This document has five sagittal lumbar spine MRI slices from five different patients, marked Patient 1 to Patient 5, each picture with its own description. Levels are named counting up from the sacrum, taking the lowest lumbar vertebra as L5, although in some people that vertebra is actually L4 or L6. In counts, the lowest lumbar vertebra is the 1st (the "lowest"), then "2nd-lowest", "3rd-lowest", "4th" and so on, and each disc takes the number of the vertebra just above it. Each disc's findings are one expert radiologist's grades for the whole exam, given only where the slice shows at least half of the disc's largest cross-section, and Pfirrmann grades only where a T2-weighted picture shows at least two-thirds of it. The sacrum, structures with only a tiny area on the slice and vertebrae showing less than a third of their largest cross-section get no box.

Patient 1 of 5:
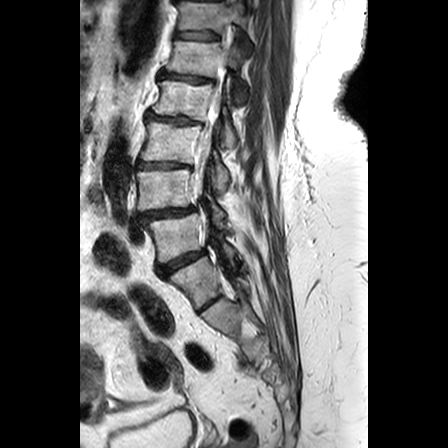

Sagittal T2-weighted lumbar spine MRI
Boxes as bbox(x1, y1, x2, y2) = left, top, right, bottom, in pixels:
L2/L3 = bbox(147, 112, 202, 124).
L2 = bbox(152, 80, 236, 147).
IVD L5/S1 = bbox(157, 250, 206, 277).
L4/L5 = bbox(138, 208, 193, 222).
T12/L1 = bbox(175, 32, 219, 40).
L3 = bbox(141, 121, 229, 190).
L4 = bbox(137, 169, 224, 222).
IVD L3/L4 = bbox(138, 162, 192, 169).
IVD L1/L2 = bbox(159, 69, 215, 83).
T12 vertebra = bbox(178, 0, 247, 32).
L5 vertebra = bbox(148, 213, 234, 263).
Spinal canal = bbox(192, 61, 225, 203).
L1 = bbox(167, 40, 243, 77).

Per-level radiological findings:
- L2/L3: Pfirrmann grade 3, upper-endplate change, Modic type II, disc narrowing, disc bulging, lower-endplate change
- L4/L5: Pfirrmann grade 4, disc bulging, disc narrowing, spondylolisthesis
- L5/S1: Pfirrmann grade 4, disc bulging
- L1/L2: Pfirrmann grade 3, disc narrowing, Modic type II, disc bulging, lower-endplate change, upper-endplate change
- T12/L1: Pfirrmann grade 3, Modic type II, lower-endplate change, upper-endplate change
- L3/L4: Pfirrmann grade 3, disc bulging, disc narrowing, upper-endplate change, Modic type II, lower-endplate change

Patient 2 of 5:
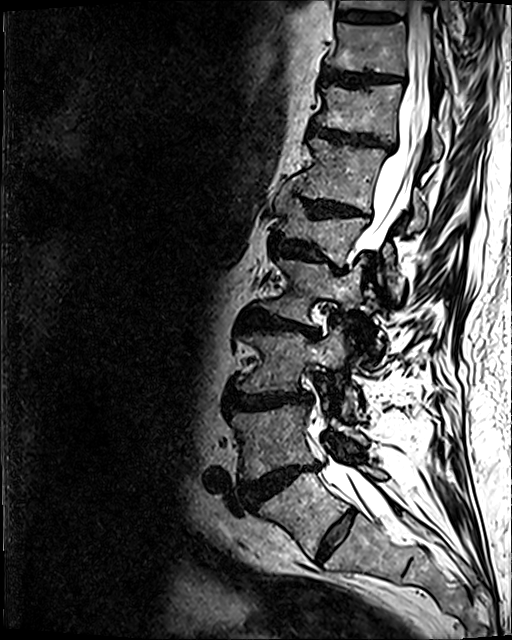

Sex M | MRI lumbar spine (T2 SPACE (3D)), sagittal plane

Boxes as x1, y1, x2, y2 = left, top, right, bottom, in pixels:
• L3 = 237, 326, 359, 413
• L2/L3 = 244, 311, 319, 338
• T11/T12 = 310, 123, 391, 151
• intervertebral disc T12/L1 = 305, 200, 368, 217
• L4/L5 = 244, 463, 317, 506
• T12 = 289, 137, 430, 231
• L1/L2 = 270, 235, 339, 271
• T9 vertebra = 338, 0, 453, 29
• T9/T10 = 337, 11, 399, 21
• L5 = 259, 465, 387, 558
• intervertebral disc L3/L4 = 228, 391, 312, 412
• L2 = 257, 258, 379, 351
• L4 = 232, 404, 366, 479
• spinal canal = 308, 0, 431, 520
• T11 vertebra = 315, 84, 442, 161
• L1 vertebra = 276, 187, 397, 292
• intervertebral disc T10/T11 = 322, 69, 403, 87
• intervertebral disc L5/S1 = 316, 509, 354, 562
• T10 = 326, 22, 451, 90

Expert MSK radiologist gradings (per disc):
- L3/L4: Pfirrmann grade 4, upper-endplate change, disc narrowing, lower-endplate change, disc bulging
- T10/T11: Pfirrmann grade 4, disc bulging, upper-endplate change, lower-endplate change
- L4/L5: Pfirrmann grade 5, disc herniation, disc narrowing, disc bulging, lower-endplate change, upper-endplate change, Modic type II
- T12/L1: disc narrowing, lower-endplate change, upper-endplate change, disc bulging
- T11/T12: Pfirrmann grade 4, disc bulging, disc narrowing, lower-endplate change, upper-endplate change
- T9/T10: Pfirrmann grade 3, lower-endplate change
- L2/L3: upper-endplate change, disc narrowing, Modic type II, disc bulging, lower-endplate change
- L5/S1: Pfirrmann grade 2
- L1/L2: disc narrowing, lower-endplate change, upper-endplate change, disc bulging

Patient 3 of 5:
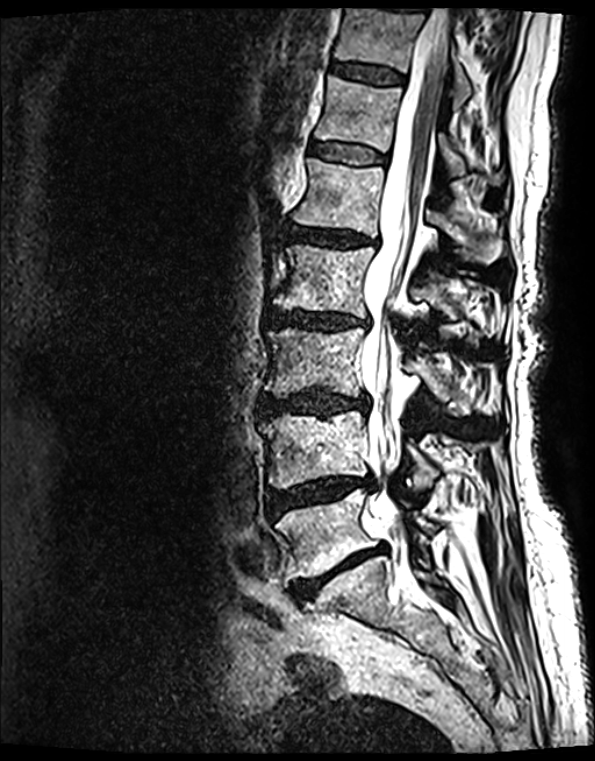
Lumbar spine MR, T2 SPACE (3D), sagittal | 595x761 px

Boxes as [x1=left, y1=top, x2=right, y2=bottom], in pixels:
{"2nd-lowest disc": "[x1=266, y1=477, x2=373, y2=516]", "3rd-lowest disc": "[x1=263, y1=392, x2=368, y2=415]", "lowest vertebra": "[x1=276, y1=489, x2=435, y2=579]", "thecal sac / spinal canal": "[x1=362, y1=10, x2=449, y2=557]", "7th disc": "[x1=331, y1=63, x2=404, y2=85]", "6th vertebra": "[x1=315, y1=77, x2=465, y2=175]", "lowest disc": "[x1=292, y1=545, x2=384, y2=600]", "5th disc": "[x1=289, y1=227, x2=368, y2=245]", "3rd-lowest vertebra": "[x1=265, y1=328, x2=461, y2=411]", "5th vertebra": "[x1=293, y1=159, x2=501, y2=263]", "7th vertebra": "[x1=335, y1=10, x2=471, y2=108]", "4th vertebra": "[x1=273, y1=245, x2=465, y2=320]", "2nd-lowest vertebra": "[x1=260, y1=411, x2=435, y2=489]", "6th disc": "[x1=310, y1=144, x2=385, y2=165]", "4th disc": "[x1=266, y1=311, x2=366, y2=329]"}

Radiological gradings:
• 4th disc: Pfirrmann grade 4, lower-endplate change, upper-endplate change, Modic type II, disc narrowing, disc bulging
• 6th disc: Pfirrmann grade 2, upper-endplate change, Modic type II, lower-endplate change
• 7th disc: Pfirrmann grade 2, lower-endplate change, Modic type II, upper-endplate change
• lowest disc: Pfirrmann grade 5, lower-endplate change, disc narrowing, Modic type II, disc bulging, upper-endplate change
• 2nd-lowest disc: Pfirrmann grade 4, disc bulging, Modic type II, upper-endplate change, disc narrowing, disc herniation, lower-endplate change
• 3rd-lowest disc: Pfirrmann grade 4, disc narrowing, lower-endplate change, Modic type II, upper-endplate change, disc bulging
• 5th disc: Pfirrmann grade 4, lower-endplate change, disc bulging, upper-endplate change, disc narrowing, Modic type II

Patient 4 of 5:
Slice spacing 4.8 mm | Lumbar spine MR, T2-weighted, sagittal | Slice 7 of 15 | Patient sex: M 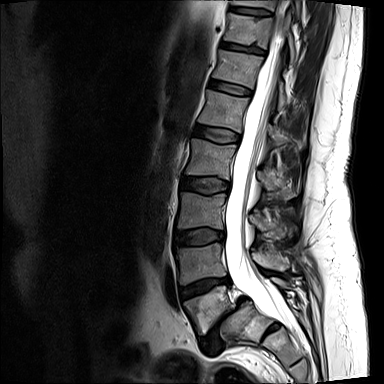 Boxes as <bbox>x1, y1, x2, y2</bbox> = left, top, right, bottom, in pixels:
Lowest vertebra: <bbox>183, 277, 288, 335</bbox>.
5th vertebra: <bbox>199, 90, 304, 146</bbox>.
3rd-lowest vertebra: <bbox>177, 192, 284, 239</bbox>.
4th disc: <bbox>181, 178, 229, 194</bbox>.
2nd-lowest disc: <bbox>179, 277, 231, 299</bbox>.
4th vertebra: <bbox>186, 139, 295, 198</bbox>.
Thecal sac / spinal canal: <bbox>224, 1, 298, 335</bbox>.
8th vertebra: <bbox>231, 0, 300, 17</bbox>.
8th disc: <bbox>231, 7, 271, 16</bbox>.
6th disc: <bbox>210, 80, 251, 95</bbox>.
5th disc: <bbox>194, 125, 240, 142</bbox>.
3rd-lowest disc: <bbox>174, 229, 224, 245</bbox>.
2nd-lowest vertebra: <bbox>175, 243, 288, 284</bbox>.
6th vertebra: <bbox>213, 50, 289, 107</bbox>.
7th vertebra: <bbox>224, 13, 296, 62</bbox>.
7th disc: <bbox>220, 42, 264, 53</bbox>.
Lowest disc: <bbox>203, 296, 247, 354</bbox>.

Expert MSK radiologist gradings (per disc):
• 3rd-lowest disc: Pfirrmann grade 2, disc bulging
• 8th disc: Pfirrmann grade 3, upper-endplate change
• 4th disc: Pfirrmann grade 2, disc bulging
• 2nd-lowest disc: Pfirrmann grade 4, Modic type II, upper-endplate change, lower-endplate change, disc herniation, disc narrowing
• 6th disc: Pfirrmann grade 2
• 5th disc: Pfirrmann grade 2, disc bulging
• 7th disc: Pfirrmann grade 3, lower-endplate change, disc narrowing
• lowest disc: Pfirrmann grade 5, disc bulging, lower-endplate change, upper-endplate change, spondylolisthesis, Modic type II, disc narrowing

Patient 5 of 5:
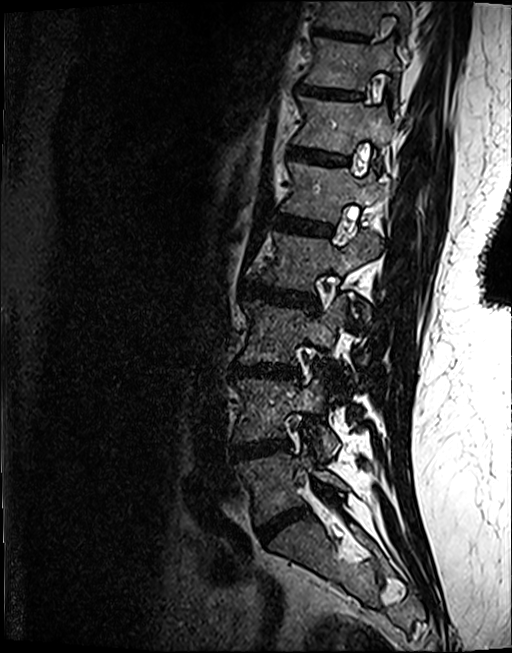
Lumbar spine MR, T2 SPACE (3D), sagittal, Slice 46/122
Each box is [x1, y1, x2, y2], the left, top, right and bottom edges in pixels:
Segmented structures:
* 2nd-lowest disc = [232, 438, 288, 459]
* lowest vertebra = [234, 444, 347, 524]
* lowest disc = [257, 507, 306, 541]
* 4th vertebra = [252, 229, 380, 290]
* 8th vertebra = [316, 0, 410, 33]
* 3rd-lowest vertebra = [241, 296, 346, 364]
* 2nd-lowest vertebra = [234, 376, 338, 457]
* 5th vertebra = [282, 162, 383, 221]
* 7th vertebra = [305, 37, 401, 89]
* 8th disc = [313, 26, 367, 40]
* 5th disc = [276, 214, 332, 234]
* 7th disc = [304, 85, 361, 97]
* 6th disc = [289, 146, 348, 163]
* 3rd-lowest disc = [233, 364, 299, 377]
* 4th disc = [241, 282, 317, 310]
* 6th vertebra = [293, 97, 393, 152]

Radiological gradings:
- lowest disc: disc narrowing, disc bulging
- 8th disc: Pfirrmann grade 4, lower-endplate change, upper-endplate change
- 6th disc: Pfirrmann grade 3, lower-endplate change, upper-endplate change
- 2nd-lowest disc: lower-endplate change, Modic type II, disc bulging
- 3rd-lowest disc: Pfirrmann grade 4, disc bulging, disc narrowing, lower-endplate change, upper-endplate change, Modic type II
- 4th disc: Pfirrmann grade 4, lower-endplate change, upper-endplate change, disc bulging
- 7th disc: Pfirrmann grade 4, upper-endplate change
- 5th disc: Pfirrmann grade 4, upper-endplate change, lower-endplate change, Modic type II